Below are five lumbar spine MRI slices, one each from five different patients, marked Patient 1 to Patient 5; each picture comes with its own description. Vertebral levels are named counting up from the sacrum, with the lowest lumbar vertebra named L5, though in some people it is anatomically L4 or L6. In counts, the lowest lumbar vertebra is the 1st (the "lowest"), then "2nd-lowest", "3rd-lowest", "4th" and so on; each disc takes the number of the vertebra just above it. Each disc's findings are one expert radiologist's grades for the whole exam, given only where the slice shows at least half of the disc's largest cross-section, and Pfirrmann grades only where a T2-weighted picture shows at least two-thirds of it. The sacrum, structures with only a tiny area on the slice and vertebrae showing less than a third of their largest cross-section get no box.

Patient 1 of 5:
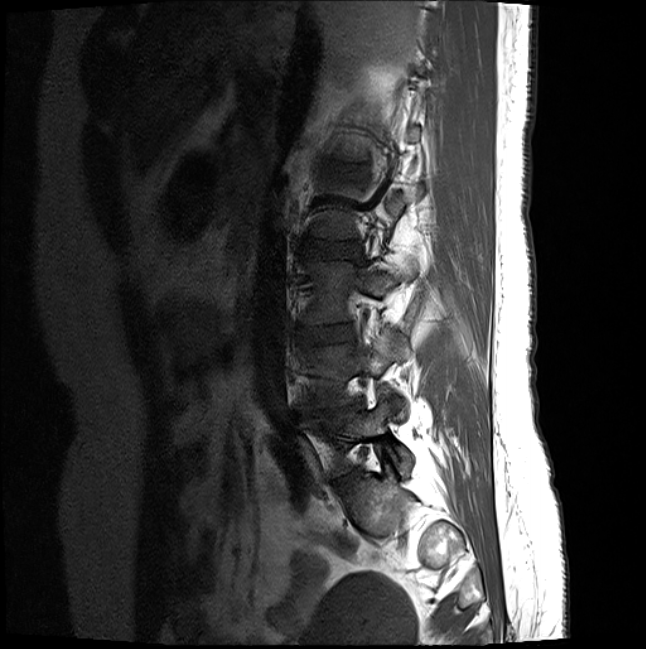 Sagittal slice index 4. Field of view 300x302 mm, slice spacing 3.3 mm. Image 646x649. Sagittal T1-weighted lumbar spine MRI.

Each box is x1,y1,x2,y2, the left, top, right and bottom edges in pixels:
Annotations:
• disc L2/L3: 304,239,356,257
• disc L1/L2: 324,162,362,178
• L4 vertebra: 301,331,410,416
• disc L3/L4: 300,325,352,345
• disc L4/L5: 295,400,362,417
• L3 vertebra: 305,261,396,322
• L5: 299,396,411,474
• L5/S1: 338,469,360,483

Degenerative findings by level:
- L4/L5: lower-endplate change, disc bulging, upper-endplate change, Modic type II, disc narrowing
- L2/L3, L3/L4: no herniation, bulging, narrowing, spondylolisthesis, endplate or Modic change recorded

Patient 2 of 5:
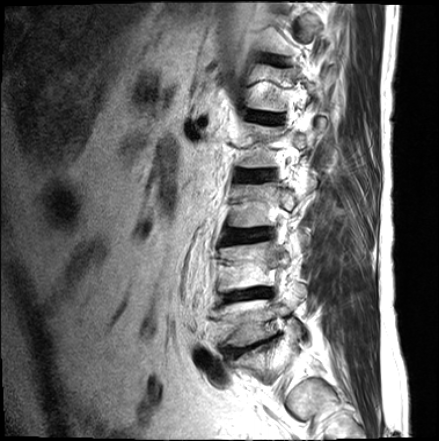 Lumbar spine MR, T2-weighted, sagittal. Sagittal slice index 13. 439x441 px.

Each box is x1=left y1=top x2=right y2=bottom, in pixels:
L5/S1: x1=233 y1=340 x2=269 y2=355.
L4 vertebra: x1=218 y1=242 x2=290 y2=291.
Disc L4/L5: x1=219 y1=287 x2=271 y2=304.
L3: x1=229 y1=179 x2=316 y2=227.
Disc L3/L4: x1=224 y1=229 x2=268 y2=243.
Disc L1/L2: x1=249 y1=113 x2=279 y2=123.
Disc L2/L3: x1=239 y1=170 x2=271 y2=180.
L5 vertebra: x1=213 y1=284 x2=306 y2=346.

Degenerative findings by level:
- L3/L4: lower-endplate change, disc bulging, upper-endplate change
- L4/L5: Pfirrmann grade 5, upper-endplate change, disc narrowing, disc bulging, lower-endplate change, Modic type II

Patient 3 of 5:
Sagittal T2-weighted lumbar spine MRI
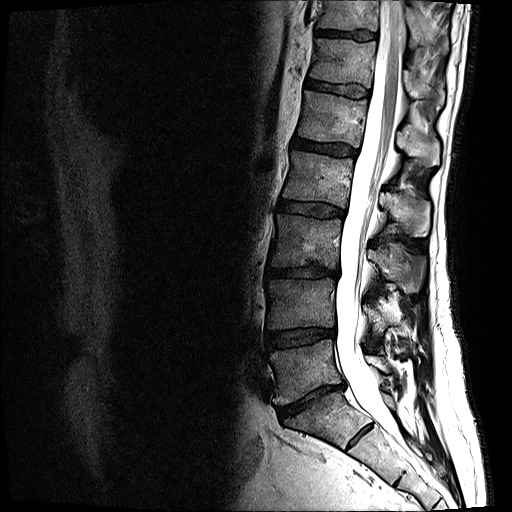

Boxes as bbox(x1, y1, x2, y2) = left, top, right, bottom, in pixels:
L2/L3 (4th disc): bbox(278, 200, 344, 217)
L2 (4th vertebra): bbox(283, 149, 430, 236)
disc L5/S1 (lowest disc): bbox(276, 383, 345, 419)
T12 (6th vertebra): bbox(310, 38, 444, 106)
L3 (3rd-lowest vertebra): bbox(269, 214, 425, 293)
T11/T12 (7th disc): bbox(316, 29, 376, 40)
L1 (5th vertebra): bbox(298, 91, 439, 166)
disc T12/L1 (6th disc): bbox(306, 80, 369, 97)
disc L3/L4 (3rd-lowest disc): bbox(266, 266, 338, 278)
disc L1/L2 (5th disc): bbox(292, 138, 356, 156)
T11 (7th vertebra): bbox(318, 0, 448, 50)
L4 (2nd-lowest vertebra): bbox(267, 277, 395, 331)
thecal sac / spinal canal: bbox(335, 0, 404, 436)
disc L4/L5 (2nd-lowest disc): bbox(267, 328, 334, 349)
L5 (lowest vertebra): bbox(270, 339, 391, 405)

Radiological gradings:
  T11/T12 (7th disc): Pfirrmann grade 4
  L4/L5 (2nd-lowest disc): Pfirrmann grade 3, disc narrowing, disc bulging
  L5/S1 (lowest disc): Pfirrmann grade 5, disc narrowing, disc bulging, Modic type II
  L1/L2 (5th disc): Pfirrmann grade 4
  L3/L4 (3rd-lowest disc): Pfirrmann grade 4, disc bulging, lower-endplate change, disc narrowing
  L2/L3 (4th disc): Pfirrmann grade 3, disc bulging
  T12/L1 (6th disc): Pfirrmann grade 3

Patient 4 of 5:
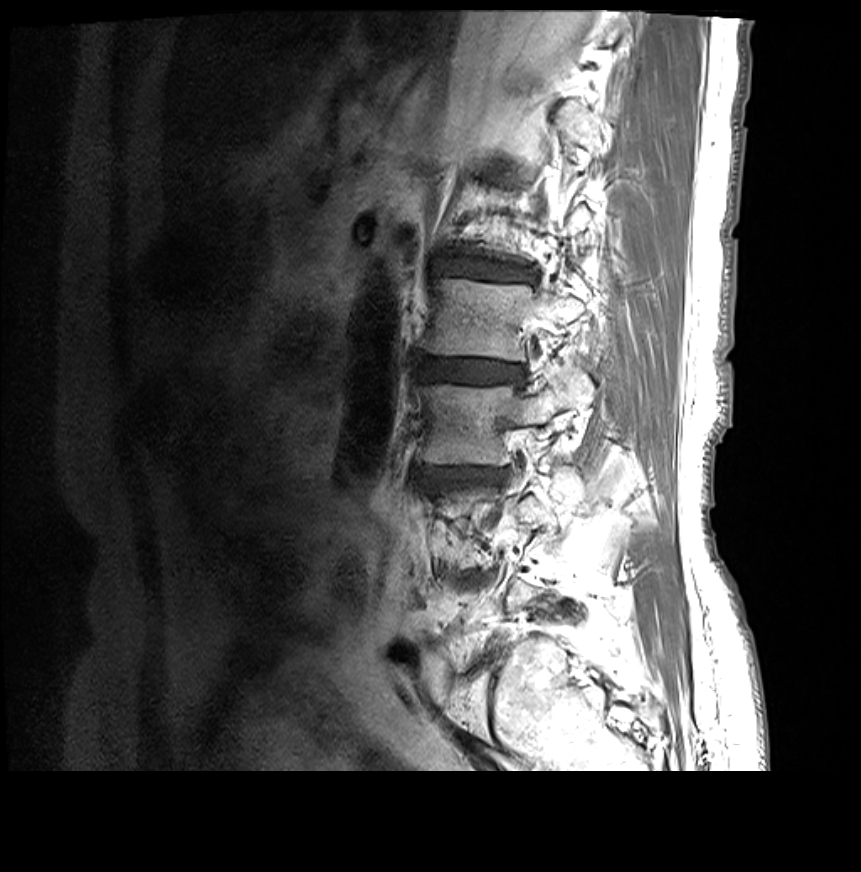
T1-weighted sagittal MRI of the lumbar spine, 861x872 px
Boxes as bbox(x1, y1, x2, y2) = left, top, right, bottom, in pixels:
3rd-lowest vertebra = bbox(420, 364, 594, 465) | 3rd-lowest disc = bbox(417, 467, 507, 487) | 5th disc = bbox(435, 259, 532, 281) | 4th disc = bbox(419, 359, 524, 384) | 4th vertebra = bbox(420, 278, 586, 362)

Degenerative findings by level:
  4th disc: Modic type II, upper-endplate change, lower-endplate change, disc narrowing, disc bulging
  5th disc: Modic type II, disc narrowing, upper-endplate change, lower-endplate change, disc bulging
  3rd-lowest disc: Modic type II, disc bulging, lower-endplate change, disc narrowing, upper-endplate change

Patient 5 of 5:
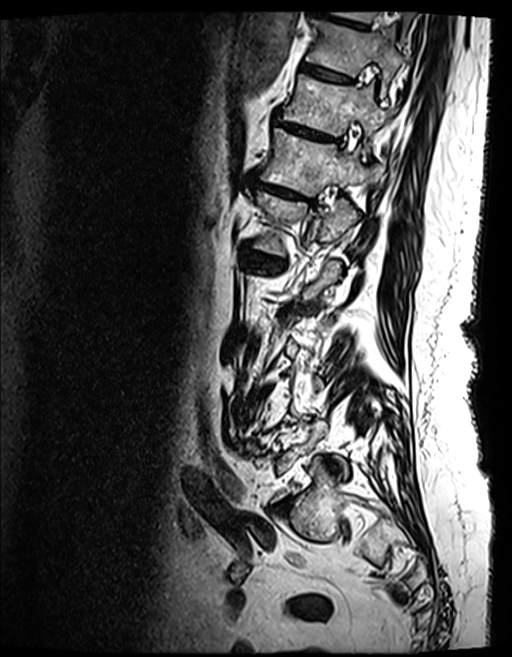
Sex F, Lumbar spine MR, T2 SPACE (3D), sagittal

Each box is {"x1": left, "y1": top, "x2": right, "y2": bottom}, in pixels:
8th vertebra: {"x1": 306, "y1": 17, "x2": 402, "y2": 95}.
8th disc: {"x1": 301, "y1": 63, "x2": 351, "y2": 83}.
6th disc: {"x1": 254, "y1": 181, "x2": 314, "y2": 203}.
6th vertebra: {"x1": 260, "y1": 128, "x2": 368, "y2": 196}.
7th disc: {"x1": 278, "y1": 121, "x2": 333, "y2": 141}.
7th vertebra: {"x1": 282, "y1": 75, "x2": 390, "y2": 136}.
9th disc: {"x1": 313, "y1": 1, "x2": 366, "y2": 28}.
5th vertebra: {"x1": 255, "y1": 192, "x2": 358, "y2": 255}.

Per-level radiological findings:
  7th disc: Pfirrmann grade 5, disc bulging, Modic type II, lower-endplate change, disc narrowing, upper-endplate change
  8th disc: Pfirrmann grade 4, Modic type II, upper-endplate change, lower-endplate change
  9th disc: Pfirrmann grade 4, disc bulging, upper-endplate change, lower-endplate change, Modic type II
  6th disc: Pfirrmann grade 4, lower-endplate change, Modic type II, disc narrowing, disc bulging, upper-endplate change